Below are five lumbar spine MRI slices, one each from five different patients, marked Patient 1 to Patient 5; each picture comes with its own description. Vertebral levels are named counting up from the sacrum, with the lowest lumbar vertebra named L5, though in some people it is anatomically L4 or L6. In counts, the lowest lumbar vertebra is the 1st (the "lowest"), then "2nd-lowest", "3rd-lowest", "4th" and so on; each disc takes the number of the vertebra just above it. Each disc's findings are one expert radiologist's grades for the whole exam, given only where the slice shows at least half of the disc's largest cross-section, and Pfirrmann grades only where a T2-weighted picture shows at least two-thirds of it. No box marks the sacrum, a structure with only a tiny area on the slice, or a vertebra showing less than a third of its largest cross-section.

Patient 1 of 5:
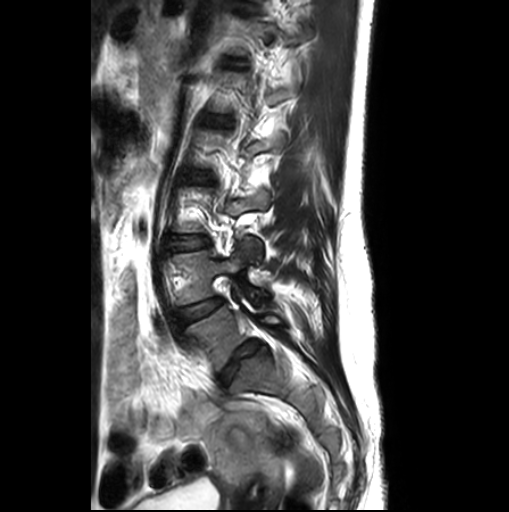
509x512 px; Lumbar spine MR, T2-weighted, sagittal

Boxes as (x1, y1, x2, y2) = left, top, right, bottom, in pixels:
L4/L5 — (177, 298, 222, 322).
Intervertebral disc L2/L3 — (176, 172, 214, 185).
L3/L4 — (173, 236, 208, 250).
L5/S1 — (219, 341, 262, 382).
L4 — (174, 235, 268, 305).
L5 vertebra — (186, 289, 283, 371).

Degenerative findings by level:
- L5/S1: disc bulging, upper-endplate change, lower-endplate change
- L4/L5: disc bulging
- L2/L3: no herniation, bulging, narrowing, spondylolisthesis, endplate or Modic change recorded

Patient 2 of 5:
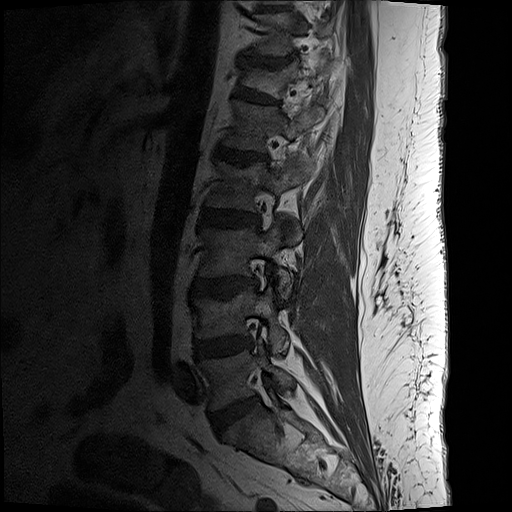
Slice 4/19; T1-weighted sagittal MRI of the lumbar spine
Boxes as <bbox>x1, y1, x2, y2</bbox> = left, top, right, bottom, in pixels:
Annotations:
* intervertebral disc T11/T12 — <bbox>242, 55, 294, 66</bbox>
* L5 vertebra — <bbox>203, 347, 294, 410</bbox>
* L1 vertebra — <bbox>226, 100, 322, 151</bbox>
* L2/L3 — <bbox>200, 209, 260, 227</bbox>
* intervertebral disc L4/L5 — <bbox>195, 339, 248, 358</bbox>
* T11 — <bbox>255, 15, 329, 55</bbox>
* L4 vertebra — <bbox>194, 287, 288, 353</bbox>
* L2 — <bbox>206, 159, 305, 211</bbox>
* intervertebral disc L5/S1 — <bbox>212, 398, 257, 430</bbox>
* T12 — <bbox>242, 60, 321, 98</bbox>
* L3 vertebra — <bbox>199, 219, 301, 298</bbox>
* intervertebral disc L3/L4 — <bbox>194, 279, 257, 295</bbox>
* intervertebral disc L1/L2 — <bbox>216, 147, 259, 165</bbox>
* T12/L1 — <bbox>238, 88, 276, 104</bbox>

Degenerative findings by level:
• L4/L5: disc bulging, disc narrowing
• T11/T12: disc bulging, lower-endplate change, upper-endplate change, disc narrowing
• L3/L4: upper-endplate change, lower-endplate change, disc bulging, Modic type II
• L1/L2: disc bulging, Modic type II, disc narrowing, upper-endplate change, lower-endplate change
• L5/S1: disc bulging
• L2/L3: lower-endplate change, disc bulging

Patient 3 of 5:
T2 SPACE (3D) sagittal MRI of the lumbar spine
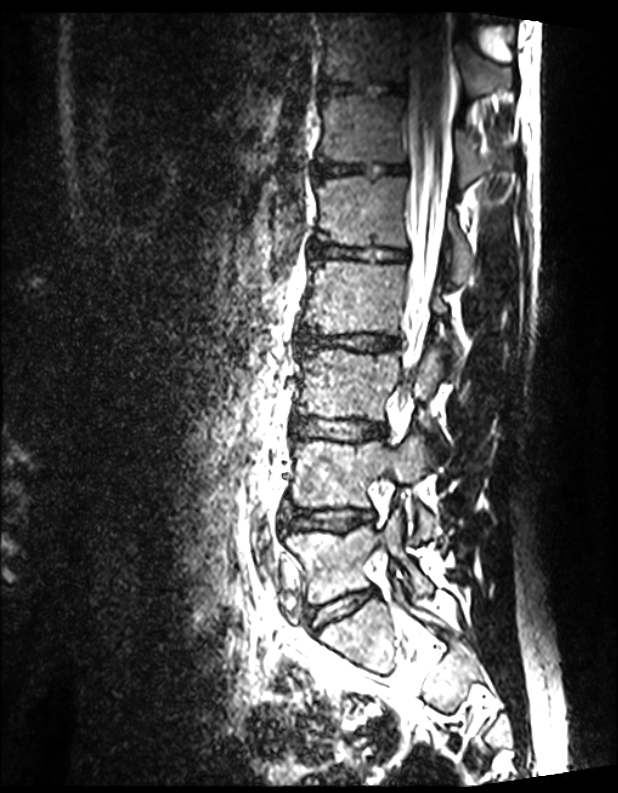 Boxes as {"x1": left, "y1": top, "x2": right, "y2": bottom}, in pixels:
T11/T12: {"x1": 321, "y1": 80, "x2": 405, "y2": 93}
L1: {"x1": 317, "y1": 176, "x2": 473, "y2": 280}
L5/S1: {"x1": 309, "y1": 590, "x2": 372, "y2": 629}
L4 vertebra: {"x1": 293, "y1": 437, "x2": 438, "y2": 538}
L2/L3: {"x1": 298, "y1": 330, "x2": 399, "y2": 351}
L5: {"x1": 287, "y1": 509, "x2": 432, "y2": 602}
IVD L3/L4: {"x1": 294, "y1": 418, "x2": 387, "y2": 440}
T11 vertebra: {"x1": 321, "y1": 14, "x2": 512, "y2": 96}
T12/L1: {"x1": 316, "y1": 162, "x2": 408, "y2": 176}
L3 vertebra: {"x1": 300, "y1": 349, "x2": 446, "y2": 441}
L2 vertebra: {"x1": 304, "y1": 261, "x2": 461, "y2": 362}
IVD L4/L5: {"x1": 287, "y1": 509, "x2": 372, "y2": 530}
L1/L2: {"x1": 310, "y1": 242, "x2": 407, "y2": 261}
T12: {"x1": 321, "y1": 94, "x2": 479, "y2": 184}
spinal canal: {"x1": 406, "y1": 19, "x2": 450, "y2": 364}

Expert MSK radiologist gradings (per disc):
- L2/L3: Pfirrmann grade 1
- T12/L1: Pfirrmann grade 1
- L3/L4: Pfirrmann grade 1
- L1/L2: Pfirrmann grade 1
- T11/T12: Pfirrmann grade 1
- L4/L5: no Modic or endplate change, herniation, narrowing, bulging or spondylolisthesis recorded

Patient 4 of 5:
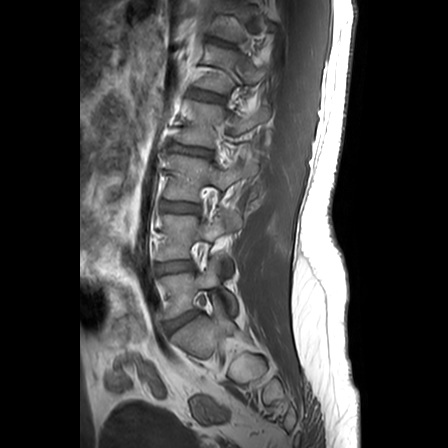
Field of view 280x280 mm, slice spacing 3.3 mm; Patient sex: M; Sagittal T1-weighted lumbar spine MRI
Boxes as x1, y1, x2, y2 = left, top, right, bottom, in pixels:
L3 vertebra: 165, 154, 252, 201 | L4/L5: 156, 262, 192, 273 | L3/L4: 161, 201, 198, 212 | L1: 196, 46, 268, 94 | T12/L1: 216, 41, 232, 46 | L4: 157, 213, 241, 260 | L2/L3: 170, 144, 211, 156 | L2 vertebra: 177, 101, 269, 147 | L5: 161, 258, 235, 319 | L1/L2: 189, 89, 223, 102 | L5/S1: 165, 312, 196, 330

Degenerative findings by level:
- L3/L4: upper-endplate change
- L2/L3: disc bulging, lower-endplate change, upper-endplate change, disc narrowing
- L1/L2: no spondylolisthesis, narrowing, bulging, herniation, Modic or endplate change recorded

Patient 5 of 5:
Sex F | Slice spacing 0.9 mm | 512x640 px | MRI lumbar spine (T2 SPACE (3D)), sagittal plane 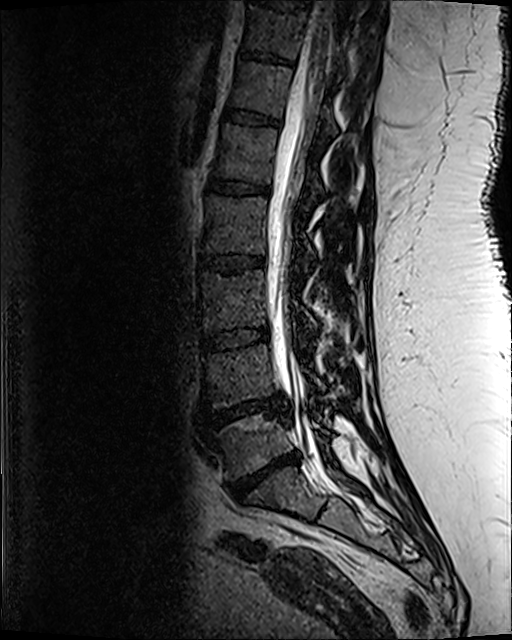

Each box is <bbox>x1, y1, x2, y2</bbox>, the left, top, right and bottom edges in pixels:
L3/L4 (3rd-lowest disc): <bbox>204, 328, 269, 350</bbox>
disc T11/T12 (7th disc): <bbox>241, 51, 282, 62</bbox>
T11 (7th vertebra): <bbox>246, 7, 370, 77</bbox>
L2/L3 (4th disc): <bbox>199, 255, 264, 271</bbox>
L1 (5th vertebra): <bbox>213, 124, 321, 206</bbox>
T12 (6th vertebra): <bbox>231, 63, 336, 139</bbox>
T10/T11 (8th disc): <bbox>260, 0, 310, 8</bbox>
L5/S1 (lowest disc): <bbox>231, 452, 298, 499</bbox>
thecal sac / spinal canal: <bbox>265, 1, 331, 457</bbox>
L1/L2 (5th disc): <bbox>208, 179, 269, 194</bbox>
L5 (lowest vertebra): <bbox>214, 413, 328, 478</bbox>
L3 (3rd-lowest vertebra): <bbox>201, 270, 317, 336</bbox>
L4 (2nd-lowest vertebra): <bbox>206, 345, 325, 408</bbox>
L2 (4th vertebra): <bbox>205, 196, 315, 270</bbox>
disc T12/L1 (6th disc): <bbox>225, 110, 280, 126</bbox>
L4/L5 (2nd-lowest disc): <bbox>206, 398, 289, 424</bbox>

Per-level radiological findings:
• T12/L1 (6th disc): Pfirrmann grade 3
• L2/L3 (4th disc): Pfirrmann grade 3, upper-endplate change, lower-endplate change
• L4/L5 (2nd-lowest disc): Pfirrmann grade 5, disc narrowing, upper-endplate change, lower-endplate change, disc herniation, Modic type II
• L1/L2 (5th disc): Pfirrmann grade 3, lower-endplate change
• L5/S1 (lowest disc): Pfirrmann grade 5, disc herniation, Modic type II, lower-endplate change, upper-endplate change, disc narrowing
• L3/L4 (3rd-lowest disc): Pfirrmann grade 3
• T11/T12 (7th disc): lower-endplate change